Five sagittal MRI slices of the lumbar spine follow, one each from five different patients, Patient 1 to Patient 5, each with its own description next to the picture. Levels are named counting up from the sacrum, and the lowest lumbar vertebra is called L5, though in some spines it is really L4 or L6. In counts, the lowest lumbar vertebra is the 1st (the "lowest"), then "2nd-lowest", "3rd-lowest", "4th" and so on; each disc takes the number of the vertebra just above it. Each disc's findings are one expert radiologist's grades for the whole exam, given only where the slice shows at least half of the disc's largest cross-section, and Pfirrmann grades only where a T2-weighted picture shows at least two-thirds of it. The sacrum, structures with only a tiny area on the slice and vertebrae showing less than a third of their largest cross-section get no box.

Patient 1 of 5:
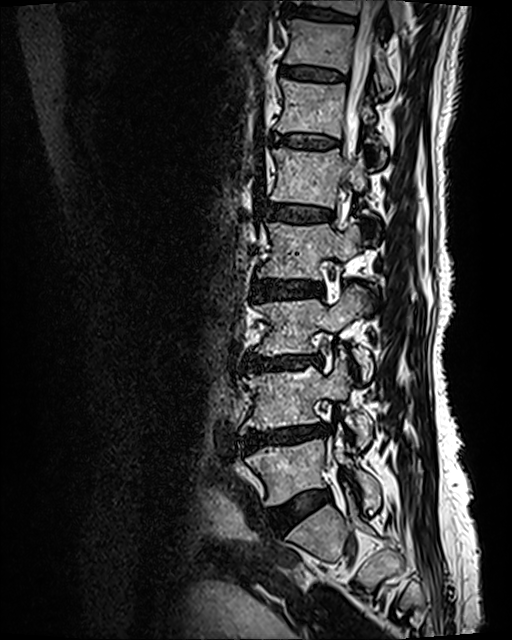
T2 SPACE (3D) sagittal MRI of the lumbar spine.

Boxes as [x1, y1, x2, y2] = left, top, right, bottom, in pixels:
L1 vertebra at [270, 148, 366, 208], L3 vertebra at [257, 286, 373, 380], L1/L2 at [266, 204, 331, 221], T11 vertebra at [284, 19, 394, 93], disc L3/L4 at [245, 355, 321, 370], L5 at [246, 434, 379, 506], thecal sac / spinal canal at [344, 0, 383, 189], L2/L3 at [253, 279, 322, 299], T10/T11 at [289, 7, 352, 21], T10 vertebra at [295, 0, 402, 26], L2 at [257, 219, 360, 279], disc L4/L5 at [243, 425, 330, 449], T12/L1 at [275, 134, 336, 148], T12 at [274, 79, 384, 165], L4 at [240, 359, 373, 448], disc T11/T12 at [281, 69, 344, 80], disc L5/S1 at [276, 489, 330, 527].

Expert MSK radiologist gradings (per disc):
  L4/L5: Pfirrmann grade 4, disc narrowing, upper-endplate change, lower-endplate change, disc bulging, Modic type II
  T11/T12: Pfirrmann grade 2, Modic type II, lower-endplate change, upper-endplate change
  T12/L1: Pfirrmann grade 2, upper-endplate change, Modic type II, lower-endplate change
  L1/L2: Pfirrmann grade 3, lower-endplate change, upper-endplate change, Modic type II
  L3/L4: lower-endplate change, disc bulging, upper-endplate change, disc narrowing, Modic type II
  L5/S1: disc bulging
  T10/T11: Pfirrmann grade 2, upper-endplate change, lower-endplate change
  L2/L3: Pfirrmann grade 3, disc bulging, Modic type II, lower-endplate change, upper-endplate change

Patient 2 of 5:
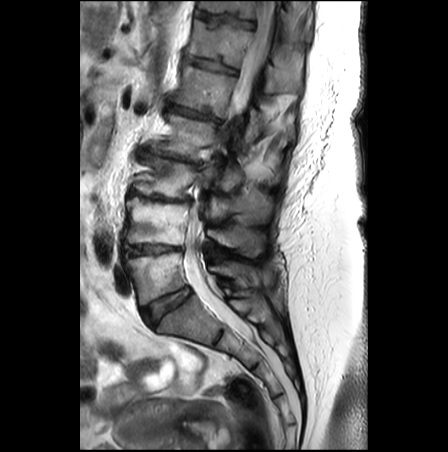 Sagittal slice index 14, MRI lumbar spine (T2-weighted), sagittal plane, Field of view 280x283 mm, Patient sex: F, 448x452 px
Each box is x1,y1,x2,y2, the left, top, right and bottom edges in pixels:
Annotations:
• disc L1/L2 at 172,105,221,123
• L2 at 157,113,282,190
• L4 at 123,197,262,255
• disc T11/T12 at 194,10,256,28
• disc L4/L5 at 121,244,181,258
• L3 at 134,151,268,214
• T12/L1 at 182,52,238,73
• T11 at 199,1,290,34
• thecal sac / spinal canal at 185,0,277,335
• disc L2/L3 at 148,147,203,167
• T12 vertebra at 186,19,301,93
• L3/L4 at 128,188,192,203
• L1 at 175,64,294,142
• disc L5/S1 at 142,288,190,326
• L5 at 124,253,255,305

Degenerative findings by level:
  T12/L1: Pfirrmann grade 3, lower-endplate change, Modic type II, upper-endplate change
  L1/L2: Pfirrmann grade 5, disc narrowing, lower-endplate change, Modic type II, spondylolisthesis, disc bulging, upper-endplate change
  L3/L4: Pfirrmann grade 5, lower-endplate change, disc narrowing, upper-endplate change, disc bulging, Modic type II
  T11/T12: Pfirrmann grade 3, upper-endplate change, lower-endplate change
  L5/S1: Pfirrmann grade 2
  L4/L5: Pfirrmann grade 5, upper-endplate change, disc bulging, lower-endplate change, disc narrowing, Modic type II

Patient 3 of 5:
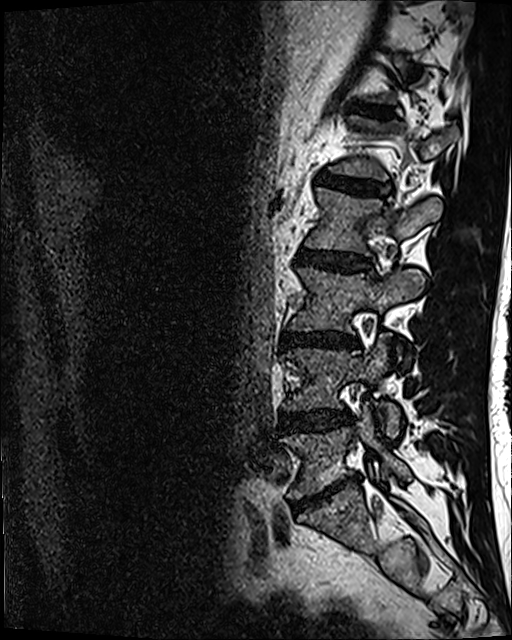

Image 512x640; Slice spacing 0.9 mm; Patient sex: M; MRI lumbar spine (T2 SPACE (3D)), sagittal plane; Sagittal slice index 84

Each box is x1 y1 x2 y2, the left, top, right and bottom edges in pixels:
IVD L1/L2 (5th disc) at 319 173 385 196, IVD L3/L4 (3rd-lowest disc) at 284 331 357 347, L5 (lowest vertebra) at 280 406 411 497, L3 (3rd-lowest vertebra) at 290 267 424 332, L4/L5 (2nd-lowest disc) at 279 410 347 430, L4 (2nd-lowest vertebra) at 284 336 400 436, L2 (4th vertebra) at 305 187 441 254, IVD L5/S1 (lowest disc) at 292 475 356 510, IVD T12/L1 (6th disc) at 353 105 392 116, IVD L2/L3 (4th disc) at 298 249 369 271.

Expert MSK radiologist gradings (per disc):
- L2/L3 (4th disc): Pfirrmann grade 3, disc bulging
- L1/L2 (5th disc): Pfirrmann grade 4
- L5/S1 (lowest disc): Modic type II, disc bulging, disc narrowing
- L4/L5 (2nd-lowest disc): Pfirrmann grade 3, disc narrowing, disc bulging
- L3/L4 (3rd-lowest disc): Pfirrmann grade 4, disc narrowing, disc bulging, lower-endplate change

Patient 4 of 5:
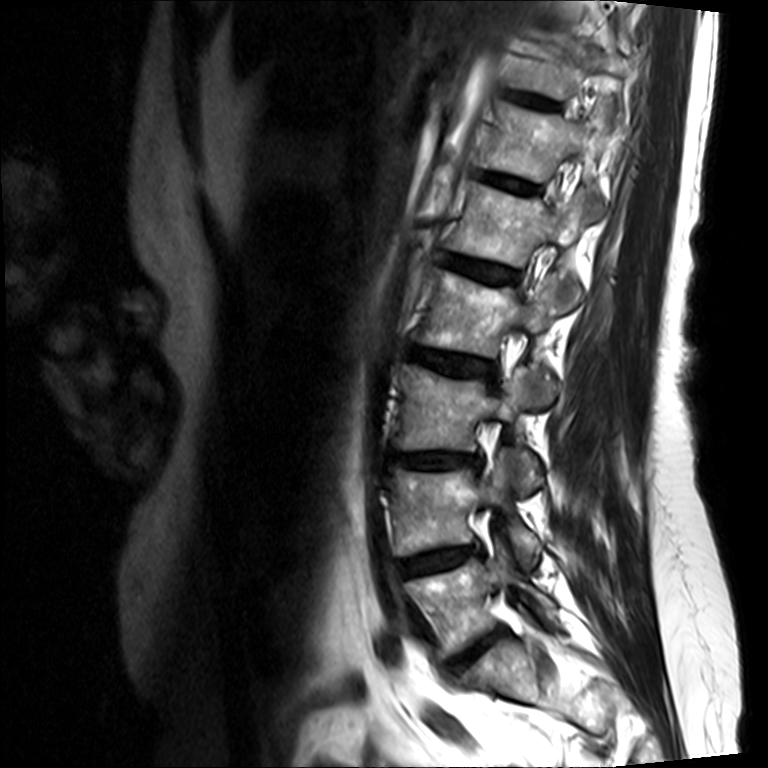

Lumbar spine MR, T2-weighted, sagittal; Patient sex: F; Slice spacing 4.4 mm; Slice 4 of 15

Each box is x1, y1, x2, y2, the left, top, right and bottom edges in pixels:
L5 vertebra: 405, 546, 559, 659
L3/L4: 392, 452, 483, 467
L1/L2: 445, 253, 516, 283
L4/L5: 398, 546, 482, 576
L4: 392, 450, 539, 563
IVD L2/L3: 412, 346, 495, 379
L1 vertebra: 453, 182, 603, 294
L3 vertebra: 398, 365, 552, 484
T12: 481, 102, 623, 181
IVD T12/L1: 481, 172, 539, 194
T11/T12: 514, 91, 559, 110
T11: 517, 35, 638, 97
L5/S1: 445, 628, 505, 675
L2: 420, 271, 581, 355

Radiological gradings:
• L2/L3: Pfirrmann grade 3, disc bulging
• L1/L2: Pfirrmann grade 2
• L3/L4: Pfirrmann grade 3, disc narrowing, upper-endplate change, lower-endplate change, disc bulging
• L4/L5: Modic type II, disc herniation, disc bulging, disc narrowing
• T12/L1: no herniation, bulging, narrowing, spondylolisthesis, endplate or Modic change recorded

Patient 5 of 5:
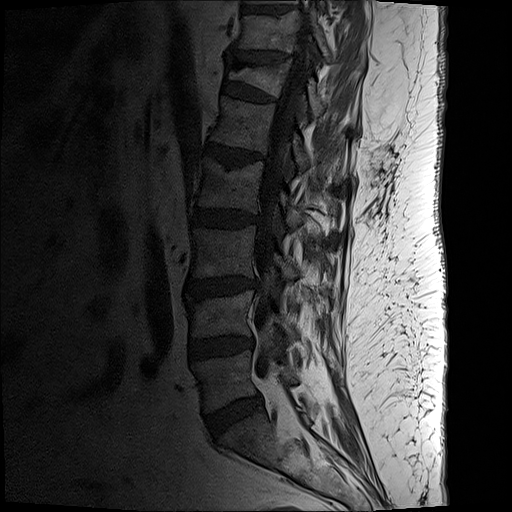 Sagittal T1-weighted lumbar spine MRI

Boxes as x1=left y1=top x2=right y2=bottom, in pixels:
thecal sac / spinal canal at x1=254 y1=32 x2=310 y2=382 | L1 vertebra at x1=211 y1=96 x2=308 y2=171 | L5 vertebra at x1=194 y1=350 x2=296 y2=412 | T11 vertebra at x1=238 y1=11 x2=330 y2=62 | L5/S1 at x1=207 y1=395 x2=262 y2=437 | L1/L2 at x1=204 y1=144 x2=256 y2=167 | T12 at x1=228 y1=60 x2=323 y2=119 | intervertebral disc L3/L4 at x1=191 y1=279 x2=257 y2=298 | intervertebral disc T12/L1 at x1=222 y1=82 x2=275 y2=102 | L2/L3 at x1=194 y1=209 x2=258 y2=229 | L2 vertebra at x1=198 y1=158 x2=301 y2=230 | intervertebral disc T11/T12 at x1=234 y1=52 x2=289 y2=65 | L3 vertebra at x1=192 y1=226 x2=295 y2=284 | T10/T11 at x1=243 y1=7 x2=290 y2=15 | L4 at x1=187 y1=291 x2=293 y2=341 | L4/L5 at x1=190 y1=338 x2=252 y2=360

Per-level radiological findings:
• T11/T12: upper-endplate change, disc narrowing, lower-endplate change, disc bulging
• L4/L5: disc narrowing, disc bulging
• T12/L1: lower-endplate change, disc bulging, spondylolisthesis, upper-endplate change
• L3/L4: disc bulging, lower-endplate change, Modic type II, upper-endplate change
• L1/L2: Modic type II, disc bulging, disc narrowing, upper-endplate change, lower-endplate change
• L2/L3: lower-endplate change, disc bulging
• L5/S1: disc bulging